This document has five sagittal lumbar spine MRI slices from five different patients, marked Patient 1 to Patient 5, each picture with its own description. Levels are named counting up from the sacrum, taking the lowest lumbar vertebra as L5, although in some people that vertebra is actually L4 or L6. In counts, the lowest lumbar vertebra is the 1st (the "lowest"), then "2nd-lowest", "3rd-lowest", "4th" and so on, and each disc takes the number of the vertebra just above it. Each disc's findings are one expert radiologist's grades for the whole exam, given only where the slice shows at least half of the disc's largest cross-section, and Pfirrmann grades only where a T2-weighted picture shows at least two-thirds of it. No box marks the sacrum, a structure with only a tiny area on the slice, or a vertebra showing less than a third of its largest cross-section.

Patient 1 of 5:
Field of view 240x300 mm, slice spacing 0.9 mm, T2 SPACE (3D) sagittal MRI of the lumbar spine, Sex M
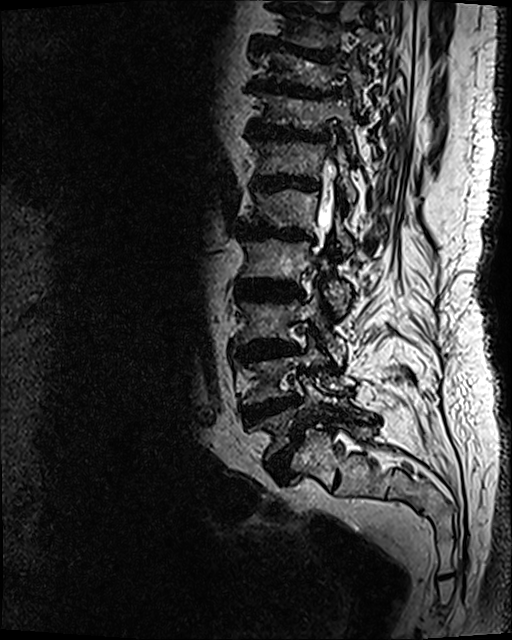
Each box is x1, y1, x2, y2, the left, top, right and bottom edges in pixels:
L2 = 240, 234, 351, 316.
Disc T12/L1 = 253, 174, 319, 192.
Disc L1/L2 = 241, 222, 317, 243.
T11/T12 = 248, 120, 331, 142.
Thecal sac / spinal canal = 319, 163, 334, 232.
T9/T10 = 250, 45, 333, 62.
L1 vertebra = 249, 188, 354, 255.
Disc L5/S1 = 266, 427, 302, 479.
L3 = 239, 288, 346, 365.
L3/L4 = 239, 340, 297, 360.
L5 vertebra = 248, 374, 359, 458.
L4 = 242, 333, 344, 404.
T10 = 258, 50, 367, 111.
T11 vertebra = 253, 90, 357, 158.
L4/L5 = 242, 395, 301, 424.
Disc T10/T11 = 250, 77, 337, 99.
T12 vertebra = 254, 139, 357, 202.
Disc L2/L3 = 237, 280, 301, 299.

Degenerative findings by level:
• T11/T12: Pfirrmann grade 5, Modic type II, disc narrowing, upper-endplate change, disc bulging, lower-endplate change
• T12/L1: Pfirrmann grade 5, disc bulging, disc narrowing, upper-endplate change, Modic type II, lower-endplate change
• T10/T11: Pfirrmann grade 5, disc bulging, Modic type II, upper-endplate change, disc narrowing, lower-endplate change
• L2/L3: Pfirrmann grade 5, lower-endplate change, Modic type II, disc bulging, disc narrowing, upper-endplate change
• L4/L5: Modic type II, upper-endplate change, disc narrowing, disc bulging, lower-endplate change
• T9/T10: Pfirrmann grade 5, disc narrowing, upper-endplate change, lower-endplate change, disc bulging, Modic type II
• L5/S1: Pfirrmann grade 5, disc narrowing, Modic type II, upper-endplate change, lower-endplate change, spondylolisthesis, disc bulging
• L3/L4: disc bulging, disc narrowing, Modic type II, lower-endplate change, upper-endplate change
• L1/L2: Pfirrmann grade 5, upper-endplate change, disc bulging, disc narrowing, lower-endplate change, Modic type II

Patient 2 of 5:
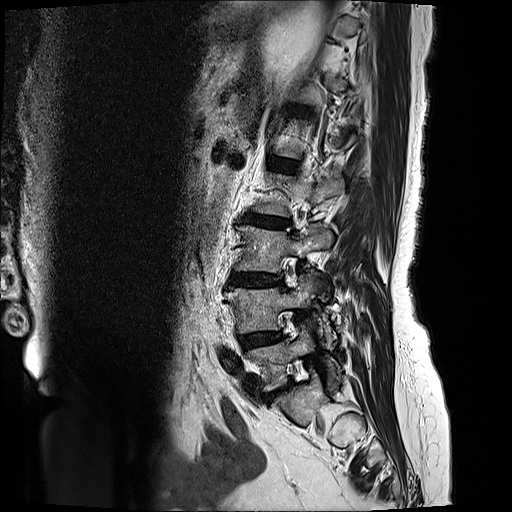 Sagittal T2-weighted lumbar spine MRI | Field of view 300x300 mm | Slice 4 of 19
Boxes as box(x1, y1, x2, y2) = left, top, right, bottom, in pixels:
Structures:
• intervertebral disc L3/L4 = box(231, 273, 283, 285)
• intervertebral disc L1/L2 = box(270, 157, 299, 171)
• L2 vertebra = box(255, 174, 344, 217)
• L4 vertebra = box(225, 270, 326, 344)
• L5 vertebra = box(247, 330, 338, 390)
• L2/L3 = box(243, 213, 291, 227)
• L3 vertebra = box(236, 225, 333, 270)
• intervertebral disc L4/L5 = box(240, 333, 282, 349)
• L5/S1 = box(267, 382, 294, 400)

Per-level radiological findings:
• L2/L3: Pfirrmann grade 4, disc narrowing, lower-endplate change, Modic type II, disc bulging, upper-endplate change
• L3/L4: Pfirrmann grade 4, Modic type II, upper-endplate change, lower-endplate change, disc bulging, disc narrowing
• L4/L5: disc bulging

Patient 3 of 5:
Sagittal T1-weighted lumbar spine MRI.

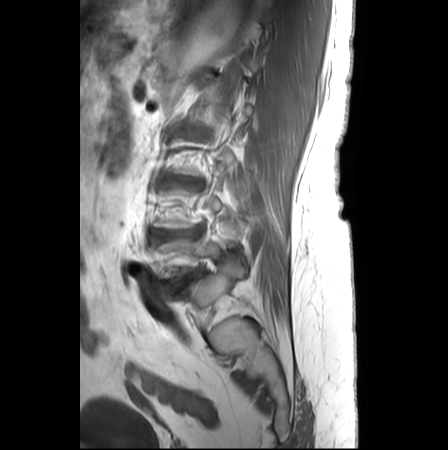

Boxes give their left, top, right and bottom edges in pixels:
L4/L5: left=150, top=227, right=202, bottom=242.
L3/L4: left=167, top=177, right=200, bottom=186.
L5: left=152, top=239, right=221, bottom=279.
L5/S1: left=163, top=270, right=201, bottom=294.

Per-level radiological findings:
  L5/S1: disc narrowing, upper-endplate change, Modic type II, disc bulging, lower-endplate change
  L4/L5: Modic type II, disc bulging, upper-endplate change, lower-endplate change, disc narrowing

Patient 4 of 5:
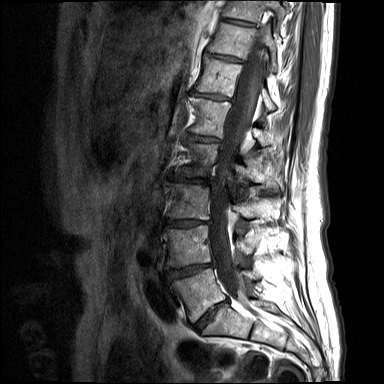
384x384 px. MRI lumbar spine (T1-weighted), sagittal plane. Sex F. Slice spacing 4.4 mm.

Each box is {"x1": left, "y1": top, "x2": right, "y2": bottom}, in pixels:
Structures:
- 3rd-lowest disc — {"x1": 168, "y1": 219, "x2": 203, "y2": 226}
- 8th disc — {"x1": 220, "y1": 18, "x2": 253, "y2": 26}
- 6th vertebra — {"x1": 196, "y1": 54, "x2": 275, "y2": 109}
- 3rd-lowest vertebra — {"x1": 169, "y1": 183, "x2": 274, "y2": 219}
- 4th disc — {"x1": 172, "y1": 173, "x2": 209, "y2": 183}
- 2nd-lowest vertebra — {"x1": 164, "y1": 225, "x2": 253, "y2": 267}
- 2nd-lowest disc — {"x1": 168, "y1": 264, "x2": 212, "y2": 277}
- spinal canal — {"x1": 210, "y1": 37, "x2": 265, "y2": 302}
- 6th disc — {"x1": 193, "y1": 92, "x2": 227, "y2": 99}
- 5th vertebra — {"x1": 190, "y1": 97, "x2": 271, "y2": 145}
- lowest vertebra — {"x1": 171, "y1": 268, "x2": 259, "y2": 321}
- 7th disc — {"x1": 207, "y1": 53, "x2": 242, "y2": 62}
- lowest disc — {"x1": 193, "y1": 300, "x2": 227, "y2": 331}
- 8th vertebra — {"x1": 222, "y1": 0, "x2": 285, "y2": 21}
- 7th vertebra — {"x1": 207, "y1": 23, "x2": 277, "y2": 71}
- 4th vertebra — {"x1": 180, "y1": 141, "x2": 277, "y2": 190}
- 5th disc — {"x1": 188, "y1": 133, "x2": 219, "y2": 141}

Expert MSK radiologist gradings (per disc):
  6th disc: lower-endplate change, disc narrowing, upper-endplate change
  5th disc: lower-endplate change, disc narrowing, upper-endplate change
  3rd-lowest disc: lower-endplate change, disc bulging, disc narrowing, upper-endplate change
  2nd-lowest disc: disc bulging, upper-endplate change, disc narrowing, lower-endplate change
  4th disc: disc bulging, disc narrowing, upper-endplate change, lower-endplate change
  lowest disc: upper-endplate change, disc bulging, disc narrowing, lower-endplate change
  7th disc: lower-endplate change, upper-endplate change
  8th disc: no Modic or endplate change, herniation, narrowing, bulging or spondylolisthesis recorded

Patient 5 of 5:
Lumbar spine MR, T2-weighted, sagittal 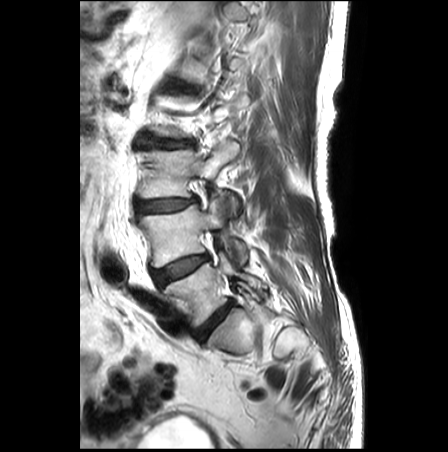
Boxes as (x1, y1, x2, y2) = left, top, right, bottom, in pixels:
{"L4/L5": "(152, 254, 209, 285)", "L3/L4": "(137, 198, 197, 213)", "L5 vertebra": "(164, 252, 266, 326)", "L4 vertebra": "(139, 197, 248, 267)", "intervertebral disc L5/S1": "(193, 302, 231, 340)", "L3 vertebra": "(138, 141, 242, 215)", "L2/L3": "(138, 137, 193, 147)"}

Per-level radiological findings:
- L2/L3: disc bulging
- L4/L5: Pfirrmann grade 3, disc bulging
- L3/L4: Pfirrmann grade 3, disc narrowing, disc bulging